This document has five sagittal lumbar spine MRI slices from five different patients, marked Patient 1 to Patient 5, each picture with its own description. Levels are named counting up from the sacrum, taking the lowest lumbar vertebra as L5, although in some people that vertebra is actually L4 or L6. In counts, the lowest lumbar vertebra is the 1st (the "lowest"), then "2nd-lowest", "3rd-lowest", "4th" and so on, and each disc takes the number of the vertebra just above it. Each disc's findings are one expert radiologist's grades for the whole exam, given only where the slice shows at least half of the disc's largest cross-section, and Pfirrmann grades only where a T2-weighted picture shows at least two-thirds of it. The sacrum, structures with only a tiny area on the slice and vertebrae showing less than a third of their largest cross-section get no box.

Patient 1 of 5:
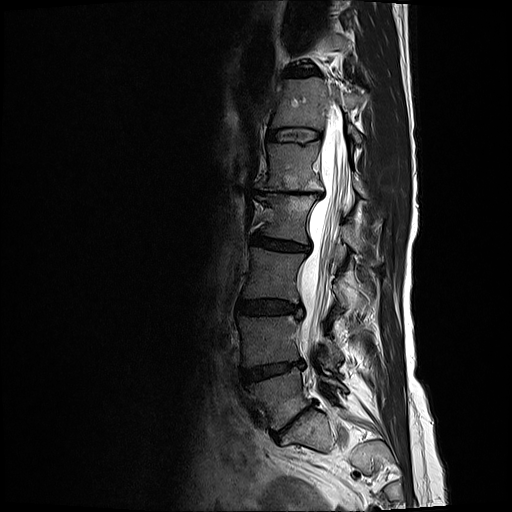

Sagittal T2-weighted lumbar spine MRI
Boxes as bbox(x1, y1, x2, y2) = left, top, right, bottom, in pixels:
L5: bbox(243, 368, 347, 430)
T11/T12: bbox(284, 66, 318, 76)
L2: bbox(257, 196, 365, 252)
T12 vertebra: bbox(272, 77, 368, 143)
L2/L3: bbox(253, 234, 309, 251)
disc T12/L1: bbox(267, 127, 321, 142)
L1 vertebra: bbox(256, 141, 365, 195)
thecal sac / spinal canal: bbox(298, 126, 345, 359)
L4 vertebra: bbox(238, 315, 343, 367)
L5/S1: bbox(274, 404, 313, 438)
disc L1/L2: bbox(258, 188, 324, 197)
L3 vertebra: bbox(244, 247, 347, 308)
disc L4/L5: bbox(242, 362, 303, 382)
L3/L4: bbox(238, 299, 301, 316)

Per-level radiological findings:
• L2/L3: disc narrowing, disc bulging
• L1/L2: Pfirrmann grade 5, lower-endplate change, disc narrowing, upper-endplate change, Modic type II, disc bulging
• T12/L1: Pfirrmann grade 2
• L3/L4: Pfirrmann grade 3, disc bulging
• L4/L5: Pfirrmann grade 4, disc bulging, Modic type II, disc narrowing

Patient 2 of 5:
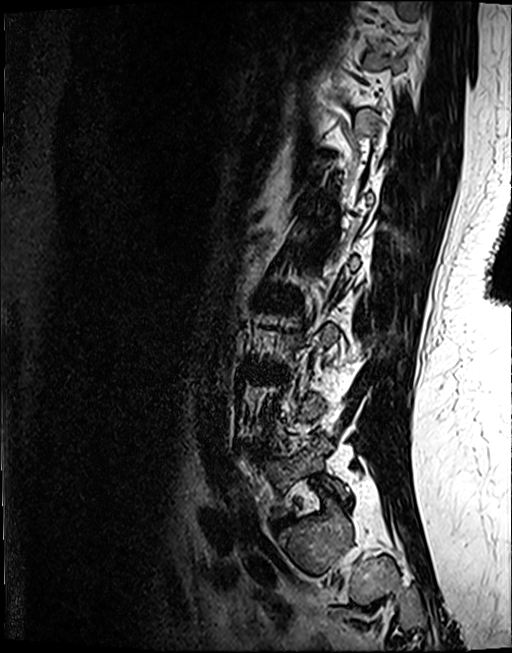 Slice spacing 0.9 mm. Lumbar spine MR, T2 SPACE (3D), sagittal.

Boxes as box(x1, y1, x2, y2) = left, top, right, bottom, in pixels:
Segmented structures:
- lowest vertebra: box(262, 435, 348, 517)
- lowest disc: box(273, 516, 291, 528)

Patient 3 of 5:
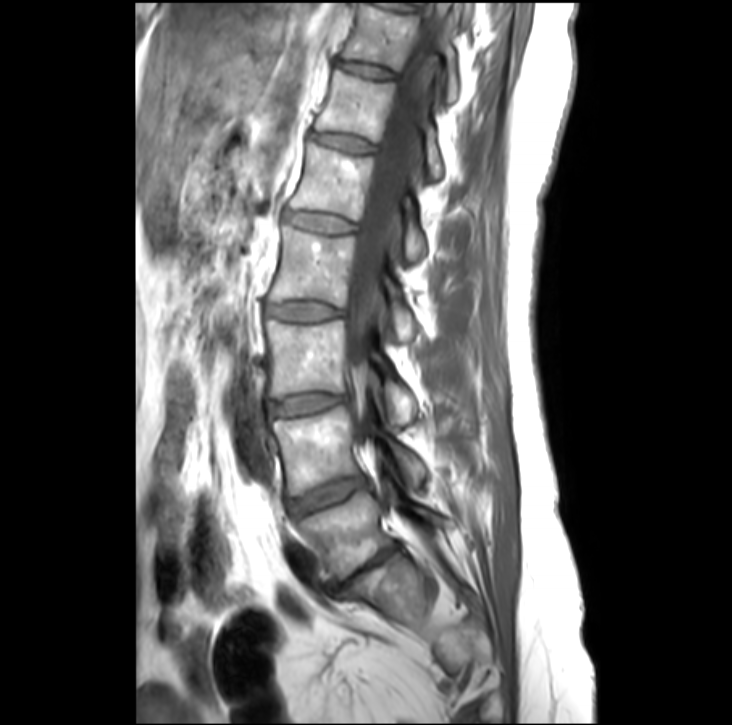 Sagittal T1-weighted lumbar spine MRI. Sex F.

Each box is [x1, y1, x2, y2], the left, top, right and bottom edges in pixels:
L4: [273, 408, 426, 496] | L3 vertebra: [267, 320, 417, 423] | L2/L3: [265, 303, 339, 321] | IVD L3/L4: [270, 395, 343, 416] | L5 vertebra: [301, 487, 446, 581] | IVD L5/S1: [337, 544, 400, 590] | IVD T11/T12: [337, 60, 393, 78] | L2: [270, 228, 416, 340] | L1 vertebra: [290, 145, 424, 262] | T12: [313, 69, 441, 177] | L1/L2: [286, 212, 353, 233] | IVD T12/L1: [309, 133, 370, 153] | spinal canal: [346, 38, 436, 443] | T11: [340, 3, 458, 103] | L4/L5: [292, 477, 364, 517]

Per-level radiological findings:
  L3/L4: disc bulging
  L5/S1: Modic type II, disc narrowing, disc bulging, lower-endplate change, upper-endplate change
  L4/L5: disc bulging
  L1/L2, L2/L3, T11/T12, T12/L1: no Modic or endplate change, herniation, narrowing, bulging or spondylolisthesis recorded

Patient 4 of 5:
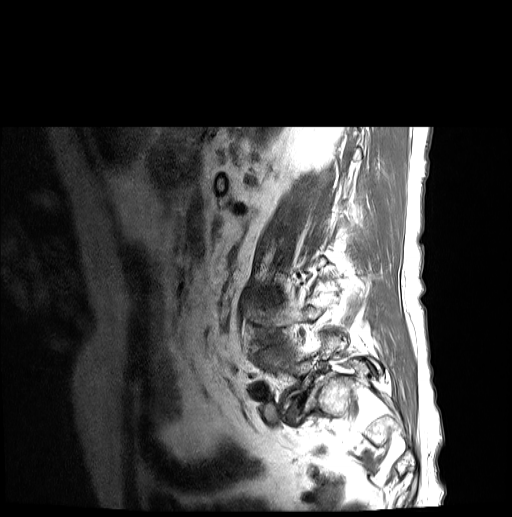 Slice spacing 3.3 mm. Image 512x517. Lumbar spine MR, T1-weighted, sagittal.
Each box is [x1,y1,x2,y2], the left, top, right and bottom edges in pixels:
intervertebral disc L4/L5: [256,345,291,365]
L5/S1: [287,391,308,424]
L4: [252,295,336,352]
L5 vertebra: [271,336,381,408]

Patient 5 of 5:
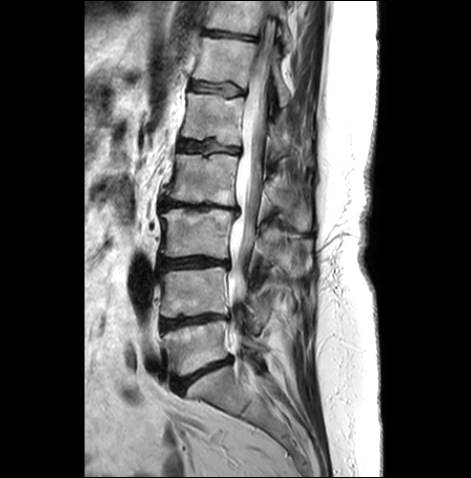 Field of view 281x281 mm. T2-weighted sagittal MRI of the lumbar spine. Sex F. Slice 16/26.

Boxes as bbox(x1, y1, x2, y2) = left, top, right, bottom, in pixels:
Segmented structures:
• L4 = bbox(160, 265, 270, 330)
• disc L4/L5 = bbox(159, 314, 223, 330)
• thecal sac / spinal canal = bbox(227, 28, 272, 341)
• disc L1/L2 = bbox(179, 140, 238, 152)
• L5/S1 = bbox(173, 358, 231, 392)
• L5 vertebra = bbox(164, 319, 266, 375)
• L1 = bbox(182, 92, 312, 164)
• T12 vertebra = bbox(193, 37, 290, 106)
• L2 = bbox(166, 154, 311, 231)
• L3 vertebra = bbox(161, 208, 310, 275)
• disc T11/T12 = bbox(205, 30, 257, 40)
• disc L3/L4 = bbox(159, 257, 228, 270)
• T12/L1 = bbox(191, 82, 243, 95)
• T11 = bbox(206, 1, 292, 49)
• L2/L3 = bbox(161, 198, 238, 214)

Expert MSK radiologist gradings (per disc):
- L5/S1: Pfirrmann grade 4, disc bulging, disc narrowing, Modic type II
- L1/L2: Pfirrmann grade 3, upper-endplate change, Modic type II, lower-endplate change, disc bulging
- L2/L3: Modic type II, disc bulging, disc narrowing, lower-endplate change, upper-endplate change
- T11/T12: Pfirrmann grade 3, disc bulging, lower-endplate change, upper-endplate change
- L4/L5: Pfirrmann grade 4, disc narrowing, upper-endplate change, lower-endplate change, disc bulging, Modic type II
- L3/L4: Pfirrmann grade 4, Modic type II, disc narrowing, disc bulging
- T12/L1: Pfirrmann grade 3, upper-endplate change, lower-endplate change, disc bulging